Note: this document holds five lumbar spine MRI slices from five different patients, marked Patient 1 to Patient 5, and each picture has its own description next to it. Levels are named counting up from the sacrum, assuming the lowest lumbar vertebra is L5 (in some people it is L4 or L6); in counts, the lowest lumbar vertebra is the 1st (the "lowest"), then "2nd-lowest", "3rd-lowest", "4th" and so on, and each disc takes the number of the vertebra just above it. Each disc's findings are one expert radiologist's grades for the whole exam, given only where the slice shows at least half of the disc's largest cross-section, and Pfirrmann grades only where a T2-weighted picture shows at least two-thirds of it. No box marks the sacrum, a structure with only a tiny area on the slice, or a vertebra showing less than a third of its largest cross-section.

Patient 1 of 5:
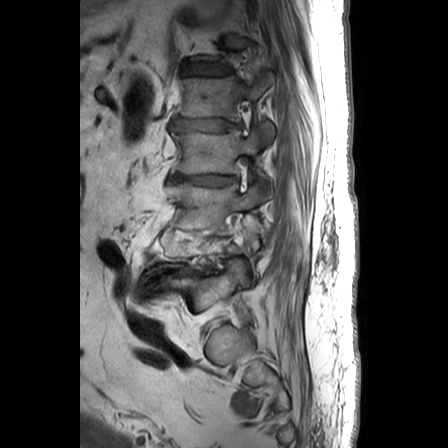 Patient sex: M, Lumbar spine MR, T1-weighted, sagittal
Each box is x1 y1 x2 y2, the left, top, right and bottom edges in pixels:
Structures:
- 5th disc: 171 119 225 131
- 2nd-lowest disc: 144 266 211 282
- 4th vertebra: 172 124 273 197
- 4th disc: 170 174 236 185
- lowest vertebra: 159 259 247 310
- 3rd-lowest vertebra: 168 182 262 228
- 5th vertebra: 176 70 275 142
- 6th disc: 183 65 230 75
- 2nd-lowest vertebra: 147 219 262 273

Radiological gradings:
- 6th disc: disc herniation, disc bulging, disc narrowing
- 4th disc: disc narrowing, disc bulging
- 2nd-lowest disc: disc bulging, disc narrowing, disc herniation, Modic type II
- 5th disc: disc bulging, disc narrowing

Patient 2 of 5:
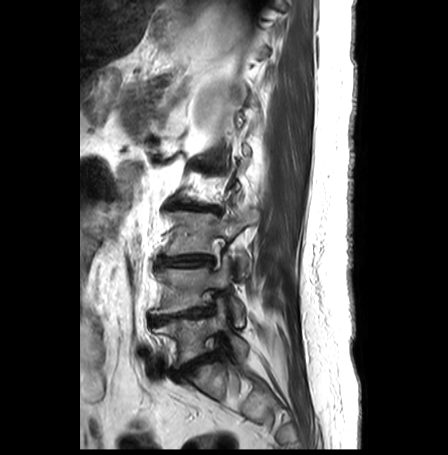

448x455 px; T2-weighted sagittal MRI of the lumbar spine; Patient sex: F; Slice 22/30
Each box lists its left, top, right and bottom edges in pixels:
4th disc = left=168, top=204, right=220, bottom=213.
Lowest disc = left=171, top=350, right=220, bottom=380.
2nd-lowest vertebra = left=150, top=254, right=244, bottom=325.
3rd-lowest vertebra = left=164, top=209, right=259, bottom=275.
Lowest vertebra = left=152, top=299, right=248, bottom=368.
2nd-lowest disc = left=150, top=305, right=213, bottom=325.
3rd-lowest disc = left=155, top=255, right=213, bottom=266.

Radiological gradings:
• lowest disc: Pfirrmann grade 4, upper-endplate change, disc bulging, lower-endplate change, disc narrowing, Modic type II
• 2nd-lowest disc: Pfirrmann grade 3, disc herniation, upper-endplate change, disc narrowing, lower-endplate change, disc bulging, Modic type II
• 3rd-lowest disc: Pfirrmann grade 5, disc bulging, lower-endplate change, disc narrowing, upper-endplate change, Modic type II

Patient 3 of 5:
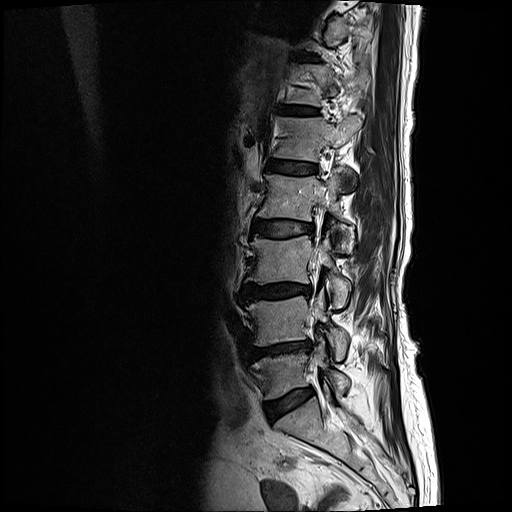 Lumbar spine MR, T2-weighted, sagittal, Slice 5/17

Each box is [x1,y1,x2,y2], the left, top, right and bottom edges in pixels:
4th vertebra: [257,172,354,250]
4th disc: [254,219,314,237]
3rd-lowest disc: [241,282,312,298]
lowest disc: [265,388,314,421]
3rd-lowest vertebra: [245,233,351,309]
5th disc: [267,159,316,174]
2nd-lowest vertebra: [244,289,349,360]
6th disc: [282,105,318,114]
6th vertebra: [286,64,368,106]
2nd-lowest disc: [244,339,314,361]
5th vertebra: [272,115,362,161]
lowest vertebra: [252,342,350,399]

Expert MSK radiologist gradings (per disc):
  6th disc: lower-endplate change, upper-endplate change, Modic type II
  3rd-lowest disc: Pfirrmann grade 4, lower-endplate change, disc narrowing, upper-endplate change, Modic type II, disc bulging
  5th disc: Pfirrmann grade 3, Modic type II, upper-endplate change, lower-endplate change
  4th disc: Pfirrmann grade 3, upper-endplate change, disc bulging, Modic type II, lower-endplate change
  2nd-lowest disc: Pfirrmann grade 4, Modic type II, upper-endplate change, disc narrowing, lower-endplate change, disc bulging
  lowest disc: Pfirrmann grade 2, disc bulging

Patient 4 of 5:
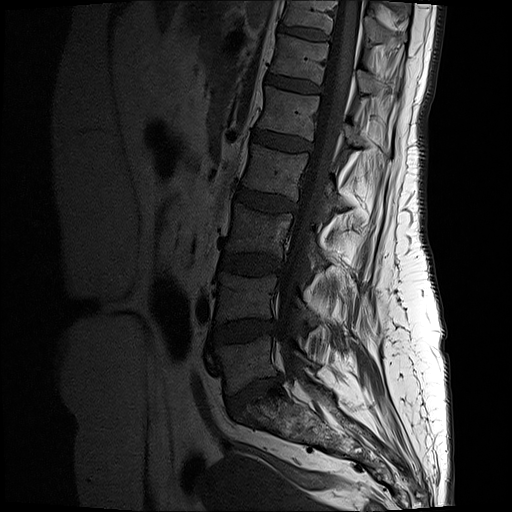 Image 512x512; Slice 8 of 17; T1-weighted sagittal MRI of the lumbar spine

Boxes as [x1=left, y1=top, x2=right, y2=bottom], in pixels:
• 6th disc = [x1=267, y1=74, x2=321, y2=92]
• 6th vertebra = [x1=271, y1=34, x2=375, y2=91]
• spinal canal = [x1=277, y1=0, x2=360, y2=397]
• 2nd-lowest vertebra = [x1=217, y1=272, x2=317, y2=323]
• 3rd-lowest disc = [x1=220, y1=253, x2=281, y2=274]
• 2nd-lowest disc = [x1=214, y1=319, x2=275, y2=341]
• lowest vertebra = [x1=217, y1=336, x2=316, y2=393]
• 5th vertebra = [x1=258, y1=86, x2=392, y2=155]
• lowest disc = [x1=227, y1=376, x2=281, y2=413]
• 7th disc = [x1=277, y1=23, x2=329, y2=41]
• 3rd-lowest vertebra = [x1=226, y1=203, x2=327, y2=266]
• 7th vertebra = [x1=284, y1=0, x2=406, y2=46]
• 4th vertebra = [x1=244, y1=144, x2=347, y2=209]
• 5th disc = [x1=254, y1=129, x2=312, y2=150]
• 4th disc = [x1=236, y1=187, x2=297, y2=212]

Radiological gradings:
  4th disc: disc bulging
  lowest disc: disc herniation, lower-endplate change, disc narrowing, upper-endplate change
  2nd-lowest disc: disc bulging
  5th disc, 6th disc, 7th disc, 3rd-lowest disc: no spondylolisthesis, narrowing, bulging, herniation, Modic or endplate change recorded

Patient 5 of 5:
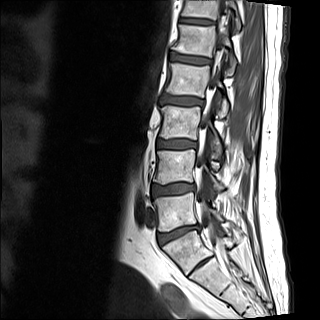

Image 320x320, Lumbar spine MR, T1-weighted, sagittal

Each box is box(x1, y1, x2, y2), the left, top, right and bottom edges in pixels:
Structures:
• 2nd-lowest vertebra at box(153, 149, 223, 189)
• 4th vertebra at box(165, 63, 228, 117)
• lowest disc at box(158, 225, 199, 245)
• 4th disc at box(161, 95, 204, 106)
• 3rd-lowest disc at box(157, 139, 196, 148)
• 5th vertebra at box(173, 24, 236, 75)
• thecal sac / spinal canal at box(197, 0, 229, 256)
• 2nd-lowest disc at box(152, 184, 195, 196)
• lowest vertebra at box(153, 193, 223, 231)
• 3rd-lowest vertebra at box(160, 106, 222, 157)
• 5th disc at box(170, 53, 211, 64)
• 6th disc at box(180, 19, 213, 24)
• 6th vertebra at box(182, 0, 240, 30)

Degenerative findings by level:
- lowest disc: disc narrowing, upper-endplate change, lower-endplate change, Modic type II, disc herniation
- 2nd-lowest disc: disc bulging, upper-endplate change, lower-endplate change
- 5th disc: lower-endplate change, Modic type II, upper-endplate change
- 4th disc: lower-endplate change, disc bulging, Modic type II, upper-endplate change
- 3rd-lowest disc, 6th disc: no Modic or endplate change, herniation, narrowing, bulging or spondylolisthesis recorded